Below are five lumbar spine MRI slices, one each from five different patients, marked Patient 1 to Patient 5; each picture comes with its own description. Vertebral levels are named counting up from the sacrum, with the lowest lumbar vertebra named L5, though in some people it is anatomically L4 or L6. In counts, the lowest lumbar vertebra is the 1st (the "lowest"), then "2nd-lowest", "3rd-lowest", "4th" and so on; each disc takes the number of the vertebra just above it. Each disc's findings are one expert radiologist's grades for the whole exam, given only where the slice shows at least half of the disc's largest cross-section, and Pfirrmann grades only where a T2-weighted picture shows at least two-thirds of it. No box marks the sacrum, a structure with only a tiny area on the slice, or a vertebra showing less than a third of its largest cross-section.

Patient 1 of 5:
Sagittal slice index 7; T2-weighted sagittal MRI of the lumbar spine

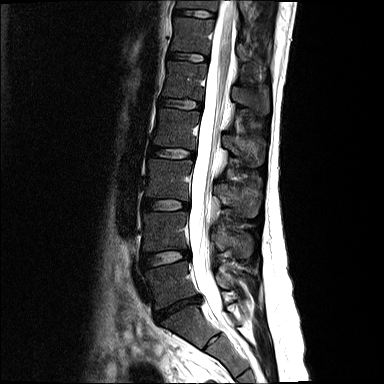
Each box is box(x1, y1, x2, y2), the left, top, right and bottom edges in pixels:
L1/L2 at box(160, 98, 201, 108).
T12/L1 at box(168, 51, 207, 61).
T12 at box(171, 18, 248, 61).
L5 at box(145, 261, 234, 309).
L2 vertebra at box(153, 109, 265, 166).
L1 at box(163, 61, 268, 113).
IVD L4/L5 at box(143, 251, 190, 267).
T11/T12 at box(175, 10, 213, 17).
Spinal canal at box(188, 0, 236, 318).
L3 at box(145, 159, 258, 217).
L4 at box(143, 212, 252, 258).
L5/S1 at box(155, 297, 200, 319).
IVD L3/L4 at box(143, 199, 188, 209).
T11 at box(177, 0, 247, 19).
L2/L3 at box(150, 145, 193, 158).

Degenerative findings by level:
• L5/S1: Pfirrmann grade 5, disc herniation, disc narrowing
• L1/L2: Pfirrmann grade 2
• T12/L1: Pfirrmann grade 2
• L4/L5: Pfirrmann grade 2, disc bulging
• L2/L3: Pfirrmann grade 2
• T11/T12: Pfirrmann grade 2
• L3/L4: Pfirrmann grade 2

Patient 2 of 5:
Image 512x640 | MRI lumbar spine (T2 SPACE (3D)), sagittal plane 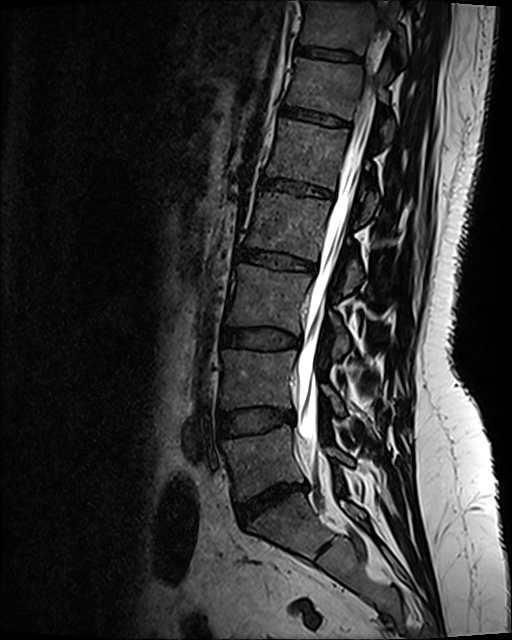
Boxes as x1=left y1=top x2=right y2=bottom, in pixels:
L3/L4 at x1=221 y1=329 x2=296 y2=348, L5 at x1=223 y1=425 x2=352 y2=500, IVD T12/L1 at x1=282 y1=107 x2=349 y2=129, L5/S1 at x1=237 y1=486 x2=304 y2=526, T11 vertebra at x1=302 y1=3 x2=405 y2=58, L1 vertebra at x1=267 y1=121 x2=377 y2=216, L2/L3 at x1=237 y1=249 x2=315 y2=272, L3 at x1=227 y1=266 x2=348 y2=358, L2 vertebra at x1=246 y1=193 x2=362 y2=294, L4/L5 at x1=219 y1=410 x2=292 y2=438, T12 at x1=287 y1=59 x2=393 y2=140, thecal sac / spinal canal at x1=297 y1=74 x2=373 y2=467, IVD T11/T12 at x1=296 y1=48 x2=359 y2=62, IVD L1/L2 at x1=261 y1=180 x2=332 y2=198, L4 vertebra at x1=222 y1=350 x2=343 y2=413.

Per-level radiological findings:
• L4/L5: Pfirrmann grade 2, disc bulging
• L2/L3: Pfirrmann grade 4, lower-endplate change, upper-endplate change, disc bulging
• L5/S1: Pfirrmann grade 1, disc bulging, disc narrowing, disc herniation
• L1/L2: Pfirrmann grade 2, upper-endplate change, lower-endplate change
• T11/T12: Pfirrmann grade 2
• T12/L1: Pfirrmann grade 2, upper-endplate change, lower-endplate change
• L3/L4: Pfirrmann grade 2, disc bulging

Patient 3 of 5:
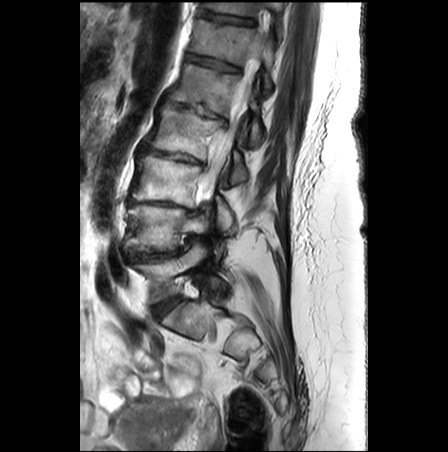 Field of view 280x283 mm, slice spacing 3.3 mm; Lumbar spine MR, T2-weighted, sagittal
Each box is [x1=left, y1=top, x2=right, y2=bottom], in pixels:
L1 vertebra: [x1=171, y1=64, x2=260, y2=144].
L5: [x1=134, y1=244, x2=220, y2=304].
L2: [x1=145, y1=107, x2=246, y2=183].
Disc T11/T12: [x1=196, y1=10, x2=254, y2=25].
L3: [x1=131, y1=157, x2=231, y2=229].
Disc T12/L1: [x1=185, y1=55, x2=240, y2=71].
Disc L3/L4: [x1=132, y1=202, x2=187, y2=209].
L4 vertebra: [x1=126, y1=205, x2=207, y2=251].
Disc L1/L2: [x1=168, y1=100, x2=227, y2=119].
Disc L4/L5: [x1=126, y1=249, x2=179, y2=260].
L2/L3: [x1=140, y1=145, x2=201, y2=163].
Disc L5/S1: [x1=152, y1=297, x2=180, y2=316].
T11 vertebra: [x1=203, y1=2, x2=283, y2=16].
Spinal canal: [x1=199, y1=39, x2=265, y2=206].
T12 vertebra: [x1=190, y1=18, x2=274, y2=88].

Per-level radiological findings:
- L2/L3: Pfirrmann grade 5, disc bulging, Modic type II, upper-endplate change, disc narrowing, lower-endplate change
- L1/L2: Pfirrmann grade 5, disc bulging, Modic type II, upper-endplate change, lower-endplate change, spondylolisthesis, disc narrowing
- T12/L1: Pfirrmann grade 3, lower-endplate change, upper-endplate change, Modic type II
- T11/T12: Pfirrmann grade 3, upper-endplate change, lower-endplate change
- L4/L5: upper-endplate change, disc narrowing, Modic type II, lower-endplate change, disc bulging

Patient 4 of 5:
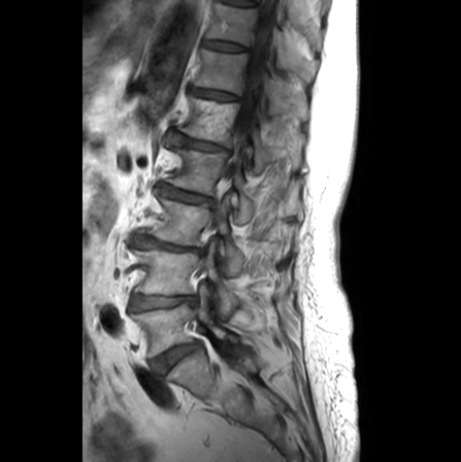

Image 461x462 | Patient sex: F | Sagittal T1-weighted lumbar spine MRI

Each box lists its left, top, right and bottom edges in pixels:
L1 vertebra: left=178, top=96, right=305, bottom=172 | T11: left=205, top=0, right=317, bottom=79 | L5 vertebra: left=131, top=284, right=236, bottom=356 | IVD L5/S1: left=151, top=343, right=198, bottom=374 | IVD L4/L5: left=131, top=294, right=194, bottom=310 | L3/L4: left=132, top=234, right=204, bottom=253 | L2 vertebra: left=166, top=142, right=301, bottom=222 | L4 vertebra: left=135, top=243, right=239, bottom=318 | T12: left=195, top=48, right=308, bottom=118 | T11/T12: left=203, top=39, right=246, bottom=51 | spinal canal: left=236, top=0, right=276, bottom=146 | IVD L2/L3: left=159, top=184, right=214, bottom=201 | IVD T12/L1: left=191, top=87, right=238, bottom=99 | L3 vertebra: left=149, top=194, right=244, bottom=274 | IVD L1/L2: left=170, top=131, right=227, bottom=150

Degenerative findings by level:
• L4/L5: Modic type II, disc narrowing
• T12/L1: upper-endplate change
• L3/L4: Modic type II, upper-endplate change, lower-endplate change, disc narrowing
• L2/L3: lower-endplate change, upper-endplate change, disc narrowing
• L5/S1: Modic type II
• L1/L2: disc narrowing, upper-endplate change, disc bulging, lower-endplate change
• T11/T12: no herniation, bulging, narrowing, spondylolisthesis, endplate or Modic change recorded

Patient 5 of 5:
Sex F. Slice 11 of 24. MRI lumbar spine (T2-weighted), sagittal plane. Scanner: Philips Healthcare Ingenia (3T).

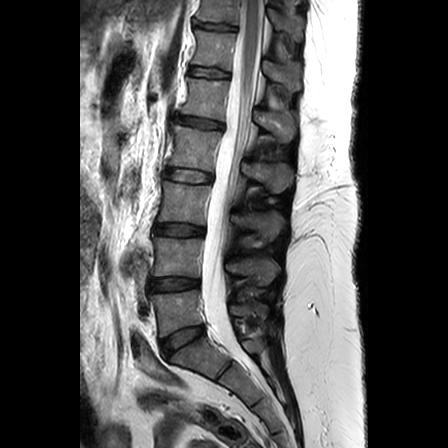
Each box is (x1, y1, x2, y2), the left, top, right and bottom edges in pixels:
{"L5": "(150, 290, 265, 336)", "L3": "(158, 181, 282, 239)", "spinal canal": "(201, 0, 263, 363)", "T11 vertebra": "(197, 0, 299, 36)", "L2": "(169, 125, 290, 192)", "intervertebral disc L2/L3": "(164, 169, 212, 182)", "intervertebral disc L4/L5": "(150, 278, 199, 291)", "intervertebral disc L1/L2": "(175, 115, 223, 129)", "L3/L4": "(154, 224, 203, 235)", "T12 vertebra": "(193, 30, 301, 90)", "intervertebral disc T12/L1": "(190, 67, 228, 77)", "L1": "(181, 78, 295, 141)", "L5/S1": "(161, 326, 203, 356)", "L4 vertebra": "(152, 235, 277, 284)", "T11/T12": "(196, 23, 236, 30)"}

Degenerative findings by level:
• L4/L5: Pfirrmann grade 3, disc narrowing
• L3/L4: Pfirrmann grade 3, upper-endplate change
• L5/S1: Pfirrmann grade 3
• L2/L3: Pfirrmann grade 2
• L1/L2: Pfirrmann grade 3, Modic type II, upper-endplate change, disc bulging
• T11/T12: Pfirrmann grade 2
• T12/L1: Pfirrmann grade 2